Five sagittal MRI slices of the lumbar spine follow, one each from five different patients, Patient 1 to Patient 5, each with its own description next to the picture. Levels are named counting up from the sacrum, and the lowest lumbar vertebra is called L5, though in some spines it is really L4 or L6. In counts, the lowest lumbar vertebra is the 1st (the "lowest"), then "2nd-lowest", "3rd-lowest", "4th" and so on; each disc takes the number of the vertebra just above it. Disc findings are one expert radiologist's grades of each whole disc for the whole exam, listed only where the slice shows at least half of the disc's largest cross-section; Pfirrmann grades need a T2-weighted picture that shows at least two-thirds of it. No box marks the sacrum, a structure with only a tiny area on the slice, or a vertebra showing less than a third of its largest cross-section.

Patient 1 of 5:
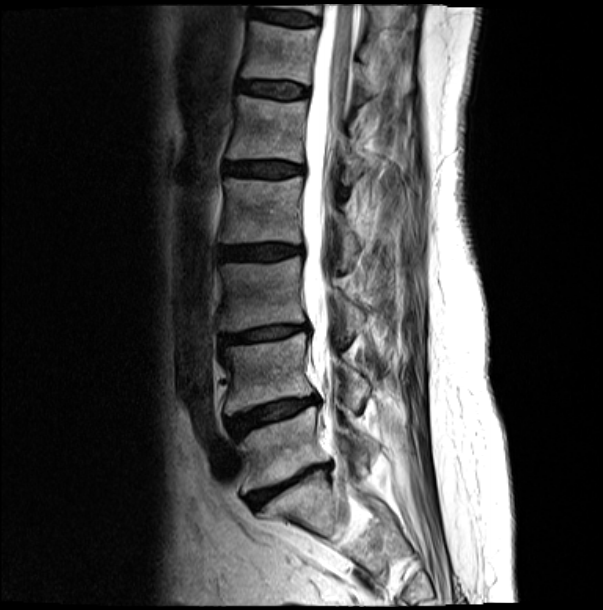 Patient sex: F. 603x610 px. T2-weighted sagittal MRI of the lumbar spine.

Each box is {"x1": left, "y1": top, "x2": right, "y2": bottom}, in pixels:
Thecal sac / spinal canal: {"x1": 301, "y1": 4, "x2": 358, "y2": 401}.
IVD L1/L2 (5th disc): {"x1": 226, "y1": 162, "x2": 302, "y2": 177}.
L3 (3rd-lowest vertebra): {"x1": 220, "y1": 257, "x2": 363, "y2": 334}.
L4 (2nd-lowest vertebra): {"x1": 223, "y1": 333, "x2": 369, "y2": 415}.
L5 (lowest vertebra): {"x1": 239, "y1": 407, "x2": 377, "y2": 492}.
IVD L3/L4 (3rd-lowest disc): {"x1": 221, "y1": 325, "x2": 307, "y2": 344}.
T12 (6th vertebra): {"x1": 242, "y1": 21, "x2": 377, "y2": 100}.
IVD L4/L5 (2nd-lowest disc): {"x1": 228, "y1": 396, "x2": 316, "y2": 437}.
L5/S1 (lowest disc): {"x1": 248, "y1": 466, "x2": 329, "y2": 506}.
IVD T12/L1 (6th disc): {"x1": 240, "y1": 82, "x2": 307, "y2": 98}.
IVD T11/T12 (7th disc): {"x1": 253, "y1": 9, "x2": 316, "y2": 25}.
T11 (7th vertebra): {"x1": 262, "y1": 4, "x2": 391, "y2": 32}.
L2 (4th vertebra): {"x1": 220, "y1": 176, "x2": 361, "y2": 267}.
L2/L3 (4th disc): {"x1": 218, "y1": 244, "x2": 300, "y2": 259}.
L1 (5th vertebra): {"x1": 228, "y1": 94, "x2": 369, "y2": 184}.

Degenerative findings by level:
• T11/T12 (7th disc): Pfirrmann grade 3, Modic type II
• L2/L3 (4th disc): Pfirrmann grade 4, Modic type II, disc bulging, upper-endplate change, lower-endplate change
• L3/L4 (3rd-lowest disc): Pfirrmann grade 4, disc narrowing, Modic type II, disc bulging, upper-endplate change, lower-endplate change
• L5/S1 (lowest disc): Pfirrmann grade 5, lower-endplate change, upper-endplate change, Modic type II, disc bulging, disc narrowing
• L4/L5 (2nd-lowest disc): Pfirrmann grade 4, upper-endplate change, lower-endplate change, Modic type II, disc narrowing, disc bulging
• L1/L2 (5th disc): Pfirrmann grade 4, upper-endplate change, Modic type II, lower-endplate change, disc bulging
• T12/L1 (6th disc): Pfirrmann grade 3, upper-endplate change, Modic type II, lower-endplate change

Patient 2 of 5:
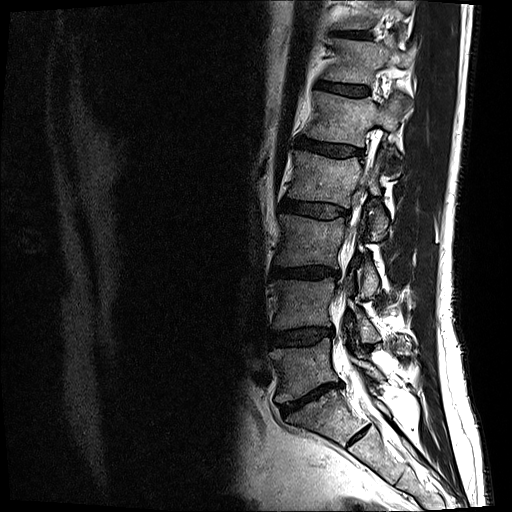 MRI lumbar spine (T2-weighted), sagittal plane, Sex M, Field of view 300x300 mm, Slice 4/17
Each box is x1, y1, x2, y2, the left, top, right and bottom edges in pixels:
Structures:
* disc T11/T12 — 334, 32, 369, 38
* T12 — 325, 39, 415, 84
* L1 — 306, 91, 410, 176
* L2 vertebra — 288, 149, 388, 240
* L1/L2 — 297, 138, 360, 156
* thecal sac / spinal canal — 347, 164, 369, 404
* disc T12/L1 — 317, 82, 368, 96
* L3/L4 — 271, 267, 339, 278
* L5 vertebra — 271, 338, 384, 403
* L5/S1 — 281, 382, 342, 415
* L3 vertebra — 274, 214, 380, 298
* disc L4/L5 — 270, 328, 332, 345
* L4 vertebra — 271, 277, 380, 342
* L2/L3 — 280, 199, 348, 218

Degenerative findings by level:
• L1/L2: Pfirrmann grade 4
• L2/L3: Pfirrmann grade 3, disc bulging
• L3/L4: Pfirrmann grade 4, disc narrowing, disc bulging, lower-endplate change
• L4/L5: Pfirrmann grade 3, disc bulging, disc narrowing
• L5/S1: Pfirrmann grade 5, disc narrowing, disc bulging, Modic type II
• T12/L1: Pfirrmann grade 3

Patient 3 of 5:
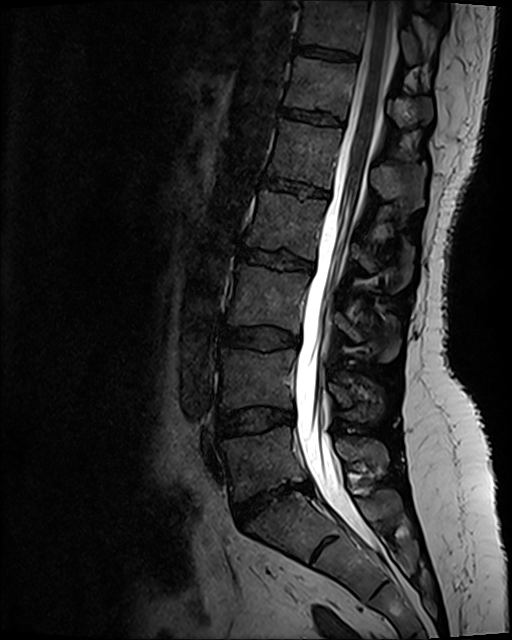

Patient sex: F; Sagittal slice index 56; Image 512x640; T2 SPACE (3D) sagittal MRI of the lumbar spine
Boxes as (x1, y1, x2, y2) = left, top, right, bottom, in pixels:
5th vertebra: (269, 121, 426, 210)
7th vertebra: (301, 1, 417, 63)
2nd-lowest disc: (217, 410, 292, 437)
spinal canal: (294, 1, 394, 551)
5th disc: (263, 179, 327, 197)
6th disc: (282, 109, 342, 127)
2nd-lowest vertebra: (221, 350, 382, 422)
4th vertebra: (245, 192, 413, 290)
3rd-lowest disc: (223, 328, 299, 349)
7th disc: (296, 49, 354, 61)
6th vertebra: (285, 57, 432, 126)
3rd-lowest vertebra: (227, 267, 399, 363)
4th disc: (240, 249, 313, 270)
lowest disc: (234, 485, 312, 527)
lowest vertebra: (222, 427, 388, 499)

Per-level radiological findings:
- 5th disc: Pfirrmann grade 2, upper-endplate change, lower-endplate change
- lowest disc: Pfirrmann grade 1, disc narrowing, disc bulging, disc herniation
- 3rd-lowest disc: Pfirrmann grade 2, disc bulging
- 2nd-lowest disc: Pfirrmann grade 2, disc bulging
- 7th disc: Pfirrmann grade 2
- 6th disc: Pfirrmann grade 2, lower-endplate change, upper-endplate change
- 4th disc: Pfirrmann grade 4, disc bulging, lower-endplate change, upper-endplate change

Patient 4 of 5:
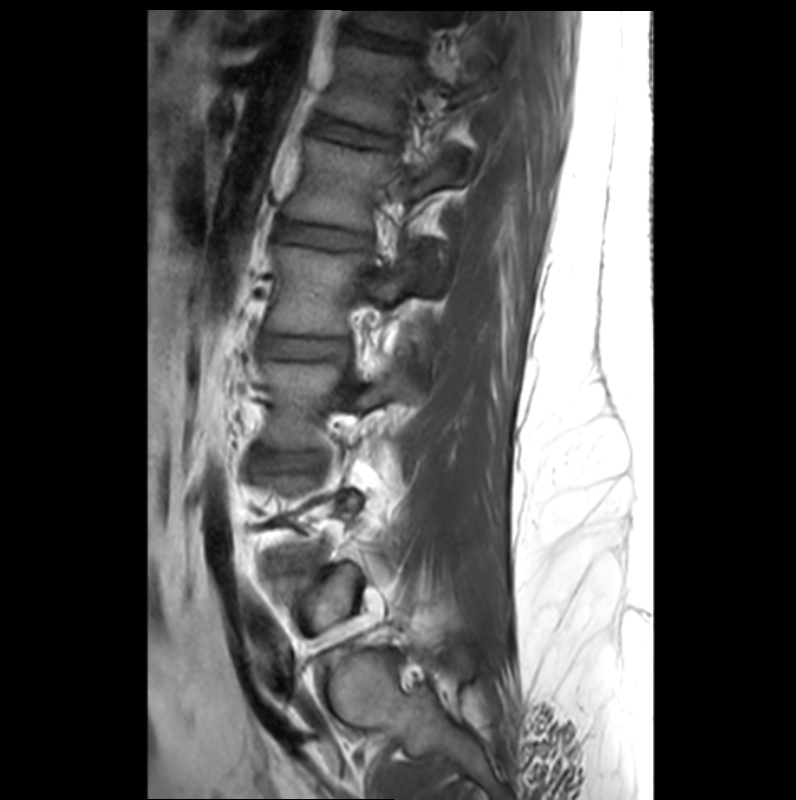 Lumbar spine MR, T1-weighted, sagittal, Sagittal slice index 23
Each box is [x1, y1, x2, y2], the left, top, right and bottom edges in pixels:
T12/L1 at [313, 119, 392, 145], L3/L4 at [260, 452, 320, 468], T12 at [320, 45, 492, 132], T11/T12 at [343, 25, 410, 48], L1 at [285, 138, 470, 294], L2 at [266, 246, 417, 334], L2/L3 at [263, 337, 348, 358], IVD L1/L2 at [278, 222, 370, 247], L3 vertebra at [262, 359, 421, 449].

Radiological gradings:
  T12/L1: upper-endplate change, lower-endplate change
  L1/L2: upper-endplate change, lower-endplate change
  T11/T12: lower-endplate change
  L2/L3: no herniation, bulging, narrowing, spondylolisthesis, endplate or Modic change recorded

Patient 5 of 5:
Lumbar spine MR, T2 SPACE (3D), sagittal. Slice 53 of 120.
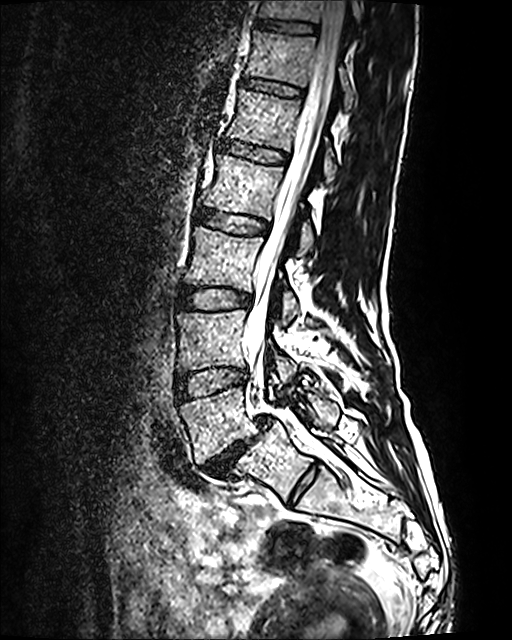
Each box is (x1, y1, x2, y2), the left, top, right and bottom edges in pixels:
• lowest vertebra: (180, 387, 340, 462)
• 4th disc: (194, 209, 267, 233)
• 3rd-lowest disc: (177, 287, 250, 309)
• thecal sac / spinal canal: (244, 0, 347, 434)
• 5th vertebra: (226, 90, 337, 183)
• 2nd-lowest disc: (175, 367, 246, 401)
• 7th disc: (256, 19, 315, 33)
• 5th disc: (220, 141, 286, 163)
• 6th disc: (242, 78, 300, 96)
• 7th vertebra: (259, 0, 362, 29)
• 4th vertebra: (205, 154, 313, 255)
• 6th vertebra: (246, 31, 355, 110)
• 2nd-lowest vertebra: (177, 310, 295, 386)
• lowest disc: (202, 416, 270, 477)
• 3rd-lowest vertebra: (184, 227, 298, 324)

Degenerative findings by level:
- 6th disc: Pfirrmann grade 2
- 7th disc: Pfirrmann grade 2
- 5th disc: Pfirrmann grade 2
- 2nd-lowest disc: Pfirrmann grade 2
- 3rd-lowest disc: Pfirrmann grade 2
- lowest disc: Pfirrmann grade 5, spondylolisthesis, disc bulging, Modic type II, disc narrowing
- 4th disc: Pfirrmann grade 2